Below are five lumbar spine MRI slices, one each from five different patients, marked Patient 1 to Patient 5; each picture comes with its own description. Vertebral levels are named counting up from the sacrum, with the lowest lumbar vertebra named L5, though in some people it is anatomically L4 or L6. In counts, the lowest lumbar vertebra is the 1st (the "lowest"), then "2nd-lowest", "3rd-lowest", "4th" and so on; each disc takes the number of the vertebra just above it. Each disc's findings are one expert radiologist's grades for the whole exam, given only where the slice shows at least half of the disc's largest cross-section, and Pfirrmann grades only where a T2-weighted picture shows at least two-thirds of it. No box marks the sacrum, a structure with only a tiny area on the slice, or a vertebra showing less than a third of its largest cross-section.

Patient 1 of 5:
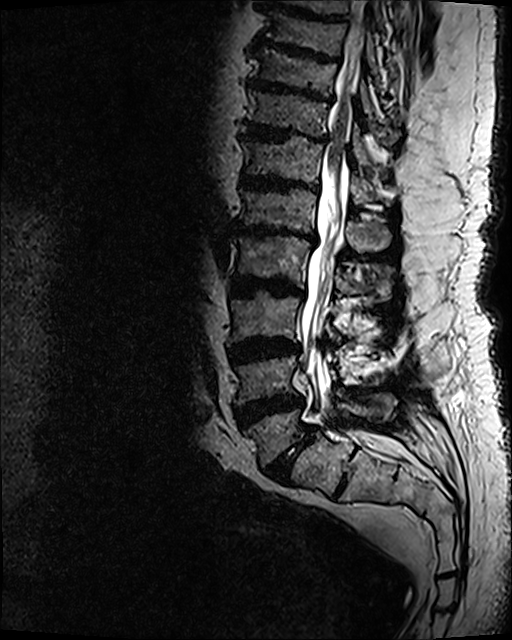

Slice 69 of 120. T2 SPACE (3D) sagittal MRI of the lumbar spine.
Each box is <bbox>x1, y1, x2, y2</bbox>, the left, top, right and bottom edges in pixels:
L1/L2 (5th disc) at <bbox>235, 224, 317, 246</bbox>.
T10 (8th vertebra) at <bbox>252, 47, 384, 135</bbox>.
L5 (lowest vertebra) at <bbox>244, 391, 396, 467</bbox>.
IVD L4/L5 (2nd-lowest disc) at <bbox>232, 393, 305, 428</bbox>.
L3 (3rd-lowest vertebra) at <bbox>229, 292, 387, 344</bbox>.
L2/L3 (4th disc) at <bbox>231, 276, 303, 297</bbox>.
IVD L3/L4 (3rd-lowest disc) at <bbox>229, 336, 299, 364</bbox>.
L4 (2nd-lowest vertebra) at <bbox>235, 356, 391, 403</bbox>.
IVD T10/T11 (8th disc) at <bbox>247, 77, 333, 103</bbox>.
L2 (4th vertebra) at <bbox>235, 234, 396, 301</bbox>.
T11 (7th vertebra) at <bbox>247, 90, 386, 168</bbox>.
L1 (5th vertebra) at <bbox>237, 188, 392, 252</bbox>.
Spinal canal at <bbox>301, 1, 399, 458</bbox>.
IVD T9/T10 (9th disc) at <bbox>247, 44, 341, 63</bbox>.
T12 (6th vertebra) at <bbox>240, 136, 392, 205</bbox>.
L5/S1 (lowest disc) at <bbox>264, 425, 316, 483</bbox>.
T12/L1 (6th disc) at <bbox>240, 174, 319, 192</bbox>.
IVD T11/T12 (7th disc) at <bbox>241, 122, 328, 142</bbox>.

Expert MSK radiologist gradings (per disc):
- T12/L1 (6th disc): Pfirrmann grade 5, upper-endplate change, lower-endplate change, Modic type II, disc bulging, disc narrowing
- L2/L3 (4th disc): Pfirrmann grade 5, disc bulging, upper-endplate change, Modic type II, disc narrowing, lower-endplate change
- T9/T10 (9th disc): Pfirrmann grade 5, disc narrowing, disc bulging, Modic type II, upper-endplate change, lower-endplate change
- T11/T12 (7th disc): Pfirrmann grade 5, disc bulging, Modic type II, disc narrowing, upper-endplate change, lower-endplate change
- L3/L4 (3rd-lowest disc): Pfirrmann grade 5, upper-endplate change, disc bulging, lower-endplate change, disc narrowing, Modic type II
- T10/T11 (8th disc): Pfirrmann grade 5, disc narrowing, disc bulging, upper-endplate change, Modic type II, lower-endplate change
- L1/L2 (5th disc): upper-endplate change, Modic type II, disc narrowing, disc bulging, lower-endplate change
- L4/L5 (2nd-lowest disc): Pfirrmann grade 5, Modic type II, disc narrowing, lower-endplate change, disc bulging, upper-endplate change
- L5/S1 (lowest disc): Pfirrmann grade 5, Modic type II, lower-endplate change, upper-endplate change, spondylolisthesis, disc bulging, disc narrowing

Patient 2 of 5:
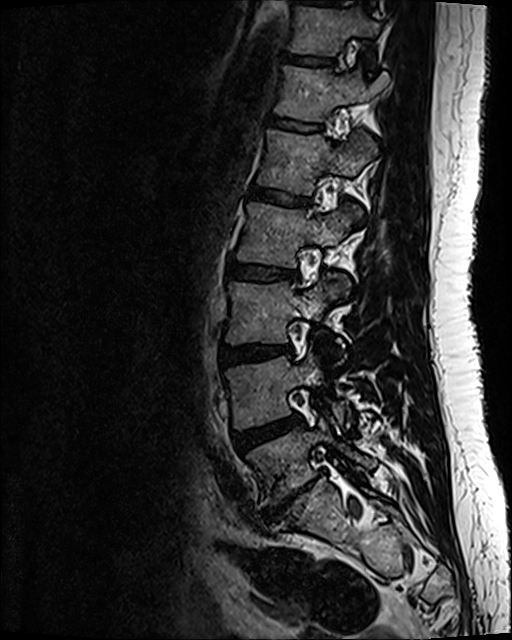
Sagittal slice index 42; Sagittal T2 SPACE (3D) lumbar spine MRI

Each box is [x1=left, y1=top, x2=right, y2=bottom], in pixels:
lowest vertebra: [x1=247, y1=420, x2=376, y2=505]
4th vertebra: [x1=238, y1=204, x2=359, y2=267]
7th disc: [x1=286, y1=55, x2=332, y2=65]
4th disc: [x1=230, y1=260, x2=298, y2=280]
5th disc: [x1=249, y1=189, x2=308, y2=206]
6th disc: [x1=269, y1=116, x2=319, y2=131]
7th vertebra: [x1=291, y1=7, x2=379, y2=55]
2nd-lowest disc: [x1=234, y1=416, x2=301, y2=450]
lowest disc: [x1=262, y1=477, x2=317, y2=522]
3rd-lowest vertebra: [x1=227, y1=277, x2=348, y2=343]
6th vertebra: [x1=276, y1=66, x2=385, y2=120]
5th vertebra: [x1=258, y1=131, x2=377, y2=194]
2nd-lowest vertebra: [x1=227, y1=351, x2=344, y2=427]
3rd-lowest disc: [x1=222, y1=346, x2=291, y2=364]

Expert MSK radiologist gradings (per disc):
- 6th disc: Pfirrmann grade 2
- 4th disc: Pfirrmann grade 2
- 5th disc: Pfirrmann grade 2
- 3rd-lowest disc: Pfirrmann grade 2, disc bulging
- 2nd-lowest disc: disc bulging

Patient 3 of 5:
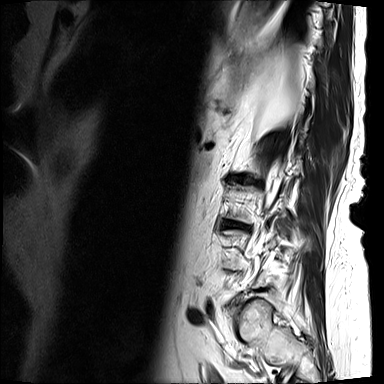
384x384 px, MRI lumbar spine (T2-weighted), sagittal plane

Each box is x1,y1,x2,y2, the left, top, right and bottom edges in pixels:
intervertebral disc L2/L3 — 236,177,254,182 | intervertebral disc L3/L4 — 224,221,248,228

Patient 4 of 5:
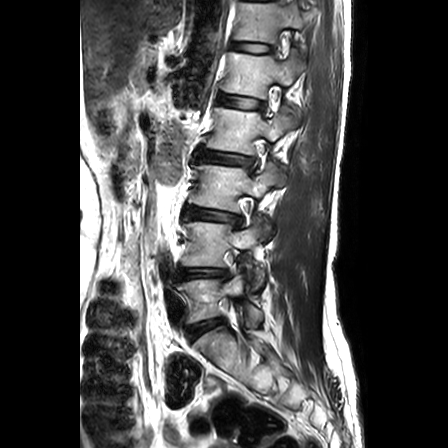 Slice spacing 3.3 mm; Patient sex: F; Lumbar spine MR, T2-weighted, sagittal; Image 448x448
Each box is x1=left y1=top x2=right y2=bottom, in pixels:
L5 (lowest vertebra): x1=177 y1=274 x2=262 y2=326 | disc L4/L5 (2nd-lowest disc): x1=178 y1=268 x2=227 y2=278 | disc T12/L1 (6th disc): x1=232 y1=42 x2=273 y2=52 | disc L5/S1 (lowest disc): x1=189 y1=318 x2=221 y2=339 | L1 (5th vertebra): x1=221 y1=50 x2=303 y2=98 | L1/L2 (5th disc): x1=218 y1=94 x2=263 y2=108 | T12 (6th vertebra): x1=234 y1=2 x2=303 y2=43 | disc L2/L3 (4th disc): x1=197 y1=150 x2=253 y2=166 | L3/L4 (3rd-lowest disc): x1=186 y1=208 x2=241 y2=225 | L2 (4th vertebra): x1=206 y1=104 x2=301 y2=154 | L4 (2nd-lowest vertebra): x1=182 y1=217 x2=264 y2=292 | L3 (3rd-lowest vertebra): x1=189 y1=162 x2=285 y2=239

Per-level radiological findings:
• L3/L4 (3rd-lowest disc): Pfirrmann grade 3, disc bulging, upper-endplate change, lower-endplate change
• L1/L2 (5th disc): Pfirrmann grade 2, upper-endplate change, Modic type II, lower-endplate change
• T12/L1 (6th disc): Pfirrmann grade 2, Modic type II
• L4/L5 (2nd-lowest disc): upper-endplate change, lower-endplate change, disc herniation, disc narrowing
• L2/L3 (4th disc): Pfirrmann grade 3, disc bulging, Modic type II, upper-endplate change, lower-endplate change

Patient 5 of 5:
Sex M; T1-weighted sagittal MRI of the lumbar spine 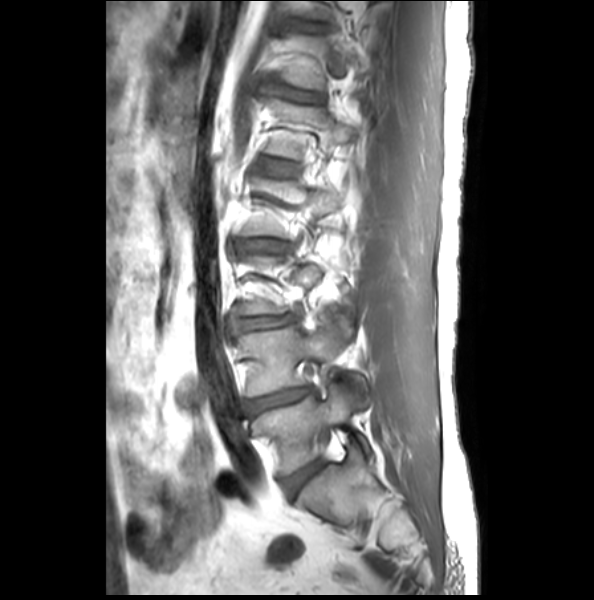
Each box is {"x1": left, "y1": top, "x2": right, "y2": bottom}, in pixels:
Structures:
- 2nd-lowest vertebra at {"x1": 239, "y1": 315, "x2": 372, "y2": 397}
- 4th disc at {"x1": 245, "y1": 239, "x2": 284, "y2": 252}
- 6th disc at {"x1": 278, "y1": 87, "x2": 317, "y2": 102}
- 5th disc at {"x1": 269, "y1": 161, "x2": 293, "y2": 174}
- lowest vertebra at {"x1": 245, "y1": 383, "x2": 370, "y2": 474}
- 2nd-lowest disc at {"x1": 245, "y1": 386, "x2": 313, "y2": 415}
- 3rd-lowest disc at {"x1": 236, "y1": 315, "x2": 292, "y2": 329}
- lowest disc at {"x1": 282, "y1": 459, "x2": 325, "y2": 494}

Radiological gradings:
• 3rd-lowest disc: disc narrowing, disc bulging
• 2nd-lowest disc: disc narrowing, lower-endplate change, disc bulging
• 6th disc: upper-endplate change, disc bulging